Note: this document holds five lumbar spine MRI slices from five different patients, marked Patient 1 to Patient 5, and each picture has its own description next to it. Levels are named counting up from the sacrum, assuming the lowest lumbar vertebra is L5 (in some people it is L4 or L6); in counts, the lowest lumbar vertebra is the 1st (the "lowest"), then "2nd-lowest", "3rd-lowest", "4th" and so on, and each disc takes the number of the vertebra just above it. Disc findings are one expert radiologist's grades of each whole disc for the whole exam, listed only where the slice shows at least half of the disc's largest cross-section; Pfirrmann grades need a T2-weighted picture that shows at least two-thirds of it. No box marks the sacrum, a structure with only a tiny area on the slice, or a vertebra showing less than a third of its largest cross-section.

Patient 1 of 5:
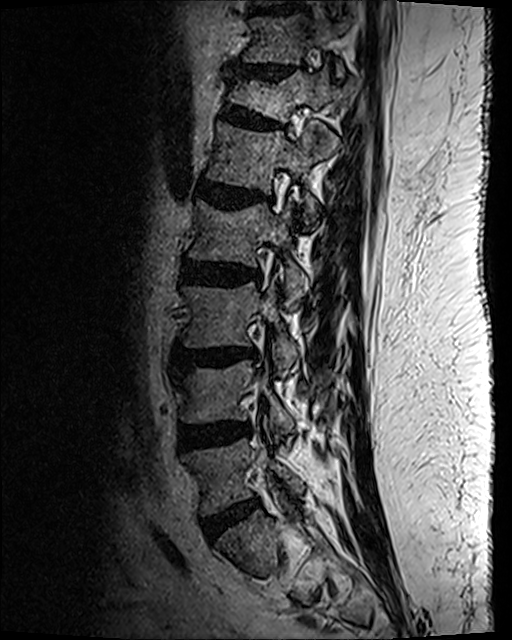 MRI lumbar spine (T2 SPACE (3D)), sagittal plane | 512x640 px
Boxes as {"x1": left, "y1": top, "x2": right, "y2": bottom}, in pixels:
L2: {"x1": 189, "y1": 201, "x2": 306, "y2": 309}.
L3: {"x1": 182, "y1": 282, "x2": 298, "y2": 376}.
L5 vertebra: {"x1": 184, "y1": 439, "x2": 303, "y2": 515}.
T11 vertebra: {"x1": 243, "y1": 17, "x2": 349, "y2": 77}.
L4: {"x1": 181, "y1": 362, "x2": 296, "y2": 440}.
L1 vertebra: {"x1": 207, "y1": 124, "x2": 335, "y2": 229}.
L3/L4: {"x1": 179, "y1": 350, "x2": 256, "y2": 368}.
L4/L5: {"x1": 179, "y1": 425, "x2": 249, "y2": 450}.
T12: {"x1": 228, "y1": 67, "x2": 352, "y2": 122}.
Intervertebral disc T11/T12: {"x1": 234, "y1": 65, "x2": 292, "y2": 79}.
L5/S1: {"x1": 202, "y1": 499, "x2": 259, "y2": 540}.
Intervertebral disc T10/T11: {"x1": 255, "y1": 8, "x2": 293, "y2": 14}.
Intervertebral disc L1/L2: {"x1": 196, "y1": 180, "x2": 260, "y2": 209}.
L2/L3: {"x1": 181, "y1": 261, "x2": 259, "y2": 287}.
T12/L1: {"x1": 221, "y1": 105, "x2": 282, "y2": 129}.

Degenerative findings by level:
  L5/S1: disc bulging
  L1/L2: Pfirrmann grade 3, upper-endplate change, Modic type II, disc bulging, lower-endplate change, disc narrowing
  L3/L4: disc bulging, lower-endplate change, upper-endplate change, Modic type II
  T12/L1: Pfirrmann grade 2, spondylolisthesis, upper-endplate change, lower-endplate change, disc bulging
  L4/L5: Pfirrmann grade 3, disc bulging, disc narrowing
  L2/L3: Pfirrmann grade 3, disc bulging, lower-endplate change
  T11/T12: disc narrowing, upper-endplate change, lower-endplate change, disc bulging

Patient 2 of 5:
Patient sex: F, T1-weighted sagittal MRI of the lumbar spine 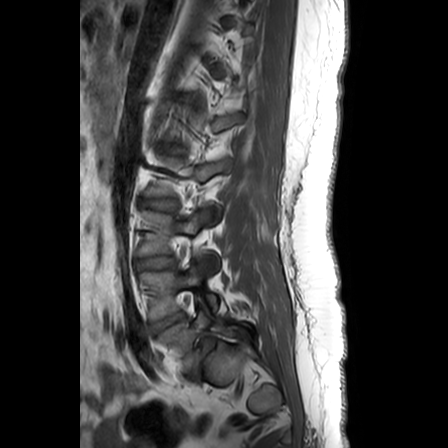
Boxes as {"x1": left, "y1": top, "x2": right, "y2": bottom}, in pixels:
L3/L4 = {"x1": 138, "y1": 256, "x2": 174, "y2": 270}.
L4/L5 = {"x1": 150, "y1": 313, "x2": 184, "y2": 333}.
L5 vertebra = {"x1": 159, "y1": 310, "x2": 249, "y2": 371}.
Disc L2/L3 = {"x1": 142, "y1": 199, "x2": 177, "y2": 209}.
L3 = {"x1": 140, "y1": 212, "x2": 205, "y2": 256}.
L1/L2 = {"x1": 162, "y1": 146, "x2": 177, "y2": 153}.
L4 vertebra = {"x1": 141, "y1": 264, "x2": 218, "y2": 320}.
Disc L5/S1 = {"x1": 192, "y1": 338, "x2": 218, "y2": 373}.

Expert MSK radiologist gradings (per disc):
  L5/S1: disc bulging, disc narrowing, spondylolisthesis, lower-endplate change
  L3/L4, L2/L3: no herniation, bulging, narrowing, spondylolisthesis, endplate or Modic change recorded

Patient 3 of 5:
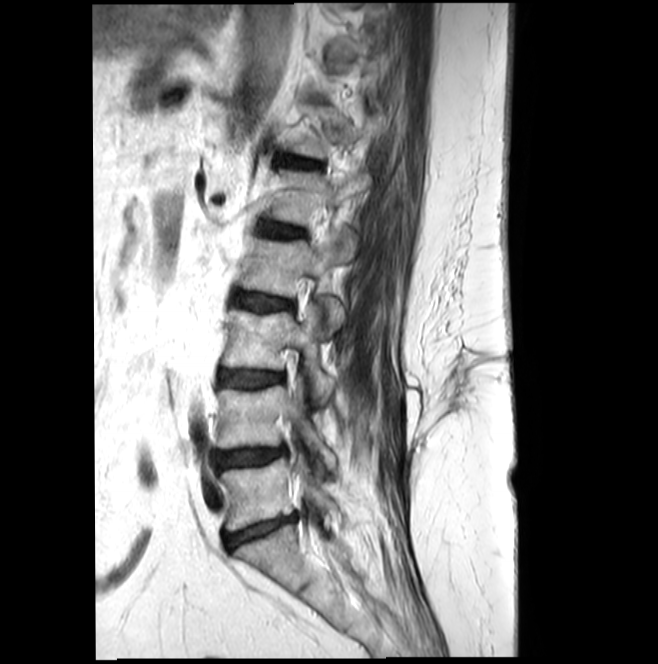
Sagittal T2-weighted lumbar spine MRI.

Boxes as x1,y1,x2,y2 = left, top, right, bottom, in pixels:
L4/L5 at 215,447,285,469; intervertebral disc L3/L4 at 220,370,283,387; T12/L1 at 279,158,319,168; intervertebral disc L1/L2 at 260,223,302,237; T12 vertebra at 285,104,379,158; L3 at 223,305,331,400; L2 vertebra at 238,229,354,329; intervertebral disc L2/L3 at 234,291,293,310; L4 vertebra at 216,378,336,467; L5/S1 at 225,516,294,549; L1 at 266,169,371,255; L5 at 220,458,340,531.

Radiological gradings:
  L4/L5: Pfirrmann grade 3, disc narrowing
  L5/S1: Pfirrmann grade 3, Modic type II, disc bulging, disc narrowing
  L2/L3: Pfirrmann grade 3
  L3/L4: Pfirrmann grade 3, Modic type II
  L1/L2: no spondylolisthesis, narrowing, bulging, herniation, Modic or endplate change recorded

Patient 4 of 5:
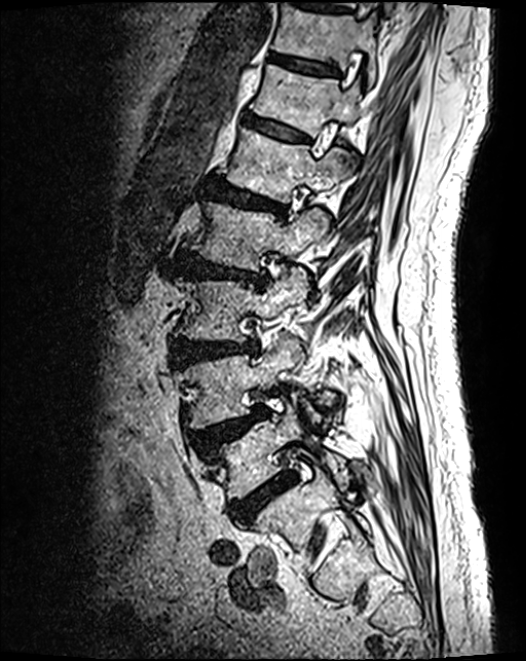
526x661 px | Patient sex: M | Sagittal T2 SPACE (3D) lumbar spine MRI | Slice 81/124

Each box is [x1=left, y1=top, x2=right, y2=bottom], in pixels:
L2 (4th vertebra) at [x1=187, y1=200, x2=333, y2=272], L1/L2 (5th disc) at [x1=206, y1=180, x2=285, y2=217], L3 (3rd-lowest vertebra) at [x1=178, y1=270, x2=308, y2=342], IVD T11/T12 (7th disc) at [x1=269, y1=53, x2=338, y2=77], L5 (lowest vertebra) at [x1=211, y1=405, x2=349, y2=500], L4 (2nd-lowest vertebra) at [x1=183, y1=335, x2=319, y2=428], L1 (5th vertebra) at [x1=221, y1=129, x2=354, y2=202], L2/L3 (4th disc) at [x1=178, y1=253, x2=267, y2=286], IVD L4/L5 (2nd-lowest disc) at [x1=194, y1=408, x2=266, y2=451], T12/L1 (6th disc) at [x1=245, y1=116, x2=308, y2=142], T12 (6th vertebra) at [x1=252, y1=65, x2=361, y2=136], T11 (7th vertebra) at [x1=272, y1=4, x2=378, y2=83], IVD L5/S1 (lowest disc) at [x1=230, y1=475, x2=293, y2=524], IVD L3/L4 (3rd-lowest disc) at [x1=173, y1=342, x2=256, y2=363].

Expert MSK radiologist gradings (per disc):
- L1/L2 (5th disc): Pfirrmann grade 4, lower-endplate change, disc bulging, upper-endplate change
- L4/L5 (2nd-lowest disc): disc herniation, spondylolisthesis, upper-endplate change
- L2/L3 (4th disc): Pfirrmann grade 4, disc narrowing, upper-endplate change, lower-endplate change, disc bulging
- L5/S1 (lowest disc): Pfirrmann grade 4
- T11/T12 (7th disc): Pfirrmann grade 3, lower-endplate change
- T12/L1 (6th disc): Pfirrmann grade 3
- L3/L4 (3rd-lowest disc): Pfirrmann grade 4, disc bulging

Patient 5 of 5:
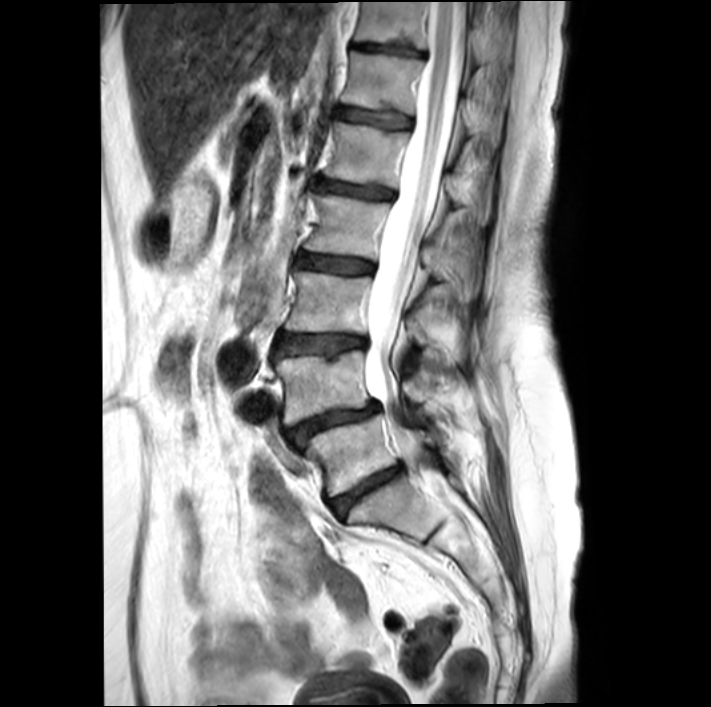

MRI lumbar spine (T2-weighted), sagittal plane
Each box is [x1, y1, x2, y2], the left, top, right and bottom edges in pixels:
T11 at [354, 3, 509, 64], disc T12/L1 at [334, 107, 411, 128], L4 vertebra at [276, 349, 429, 425], disc L4/L5 at [288, 402, 379, 446], disc T11/T12 at [353, 44, 424, 57], T12 at [341, 51, 501, 142], L2 at [304, 192, 480, 298], L1 vertebra at [322, 122, 490, 223], disc L2/L3 at [296, 253, 373, 273], L3/L4 at [276, 333, 365, 357], L1/L2 at [310, 179, 392, 198], thecal sac / spinal canal at [364, 1, 465, 454], L5/S1 at [330, 465, 403, 518], L5 vertebra at [306, 414, 442, 496], L3 at [285, 271, 445, 354].

Per-level radiological findings:
- L4/L5: Pfirrmann grade 4, disc narrowing, disc bulging, spondylolisthesis, Modic type II, lower-endplate change
- T12/L1: Pfirrmann grade 3, upper-endplate change, Modic type II, lower-endplate change
- T11/T12: Pfirrmann grade 4, upper-endplate change, lower-endplate change, disc bulging
- L3/L4: Pfirrmann grade 3, lower-endplate change, upper-endplate change, Modic type II, disc bulging
- L5/S1: Pfirrmann grade 4, disc narrowing, lower-endplate change, disc bulging, Modic type II
- L1/L2: Pfirrmann grade 3, lower-endplate change, Modic type II
- L2/L3: Pfirrmann grade 3, upper-endplate change, Modic type II